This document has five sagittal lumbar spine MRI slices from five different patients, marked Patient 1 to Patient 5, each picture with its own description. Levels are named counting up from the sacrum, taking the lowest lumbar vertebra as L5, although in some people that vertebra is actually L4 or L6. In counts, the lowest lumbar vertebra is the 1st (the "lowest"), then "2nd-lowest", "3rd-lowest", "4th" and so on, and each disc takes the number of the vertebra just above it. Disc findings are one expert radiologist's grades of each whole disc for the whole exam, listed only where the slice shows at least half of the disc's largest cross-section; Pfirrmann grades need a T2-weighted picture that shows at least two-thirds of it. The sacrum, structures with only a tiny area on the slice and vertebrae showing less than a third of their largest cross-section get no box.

Patient 1 of 5:
Sagittal T2 SPACE (3D) lumbar spine MRI | Patient sex: M
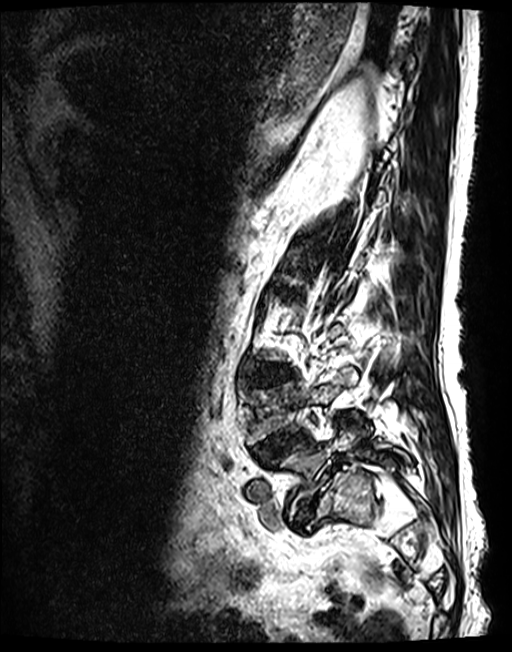

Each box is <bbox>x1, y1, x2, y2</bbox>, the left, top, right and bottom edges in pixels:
L5/S1 = <bbox>293, 478, 330, 530</bbox>.
L5 = <bbox>279, 426, 412, 519</bbox>.
L3/L4 = <bbox>252, 365, 290, 385</bbox>.
L4 = <bbox>249, 369, 358, 443</bbox>.
IVD L4/L5 = <bbox>253, 432, 305, 460</bbox>.

Expert MSK radiologist gradings (per disc):
• L5/S1: Modic type II, disc herniation, spondylolisthesis, disc narrowing

Patient 2 of 5:
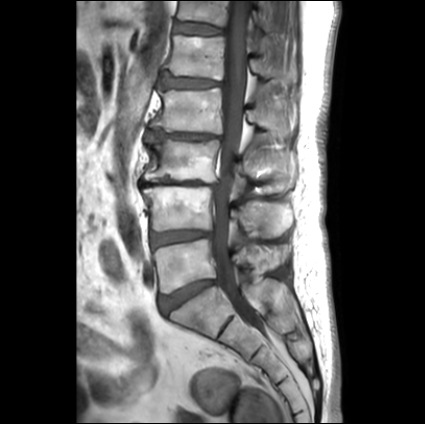
T1-weighted sagittal MRI of the lumbar spine | Patient sex: F | 425x424 px

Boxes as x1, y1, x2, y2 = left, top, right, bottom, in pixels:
L3 at 143, 139, 295, 191.
L1 at 167, 35, 295, 81.
L2 at 150, 88, 296, 133.
L1/L2 at 159, 70, 220, 89.
T12 at 177, 1, 269, 33.
IVD L5/S1 at 159, 280, 214, 313.
IVD L3/L4 at 140, 180, 217, 188.
Spinal canal at 213, 1, 248, 304.
T12/L1 at 175, 22, 221, 34.
L4/L5 at 150, 230, 209, 248.
L5 at 153, 239, 253, 293.
L4 vertebra at 143, 186, 292, 237.
IVD L2/L3 at 146, 130, 219, 141.

Degenerative findings by level:
  L4/L5: disc bulging
  L5/S1: disc bulging
  L2/L3: disc narrowing, disc bulging, lower-endplate change, upper-endplate change
  L3/L4: Modic type II, upper-endplate change, disc bulging, disc narrowing, lower-endplate change
  L1/L2: upper-endplate change, disc bulging, lower-endplate change
  T12/L1: no herniation, bulging, narrowing, spondylolisthesis, endplate or Modic change recorded

Patient 3 of 5:
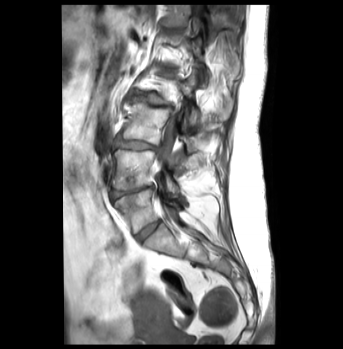
Image 343x349, Sagittal T1-weighted lumbar spine MRI
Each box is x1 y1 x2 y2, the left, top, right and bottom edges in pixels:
L4/L5 (2nd-lowest disc) at 110 185 154 200.
L5 (lowest vertebra) at 115 190 181 233.
Disc T12/L1 (6th disc) at 166 28 183 33.
L3 (3rd-lowest vertebra) at 121 103 205 153.
Disc L2/L3 (4th disc) at 130 92 173 109.
Spinal canal at 157 17 199 169.
L5/S1 (lowest disc) at 137 220 160 240.
T12 (6th vertebra) at 163 5 229 35.
L4 (2nd-lowest vertebra) at 111 149 178 192.
L2 (4th vertebra) at 139 70 233 125.
L3/L4 (3rd-lowest disc) at 113 138 156 150.

Degenerative findings by level:
• L4/L5 (2nd-lowest disc): disc bulging, Modic type II, disc narrowing, lower-endplate change
• L3/L4 (3rd-lowest disc): disc bulging, Modic type II
• L5/S1 (lowest disc): no Modic or endplate change, herniation, narrowing, bulging or spondylolisthesis recorded

Patient 4 of 5:
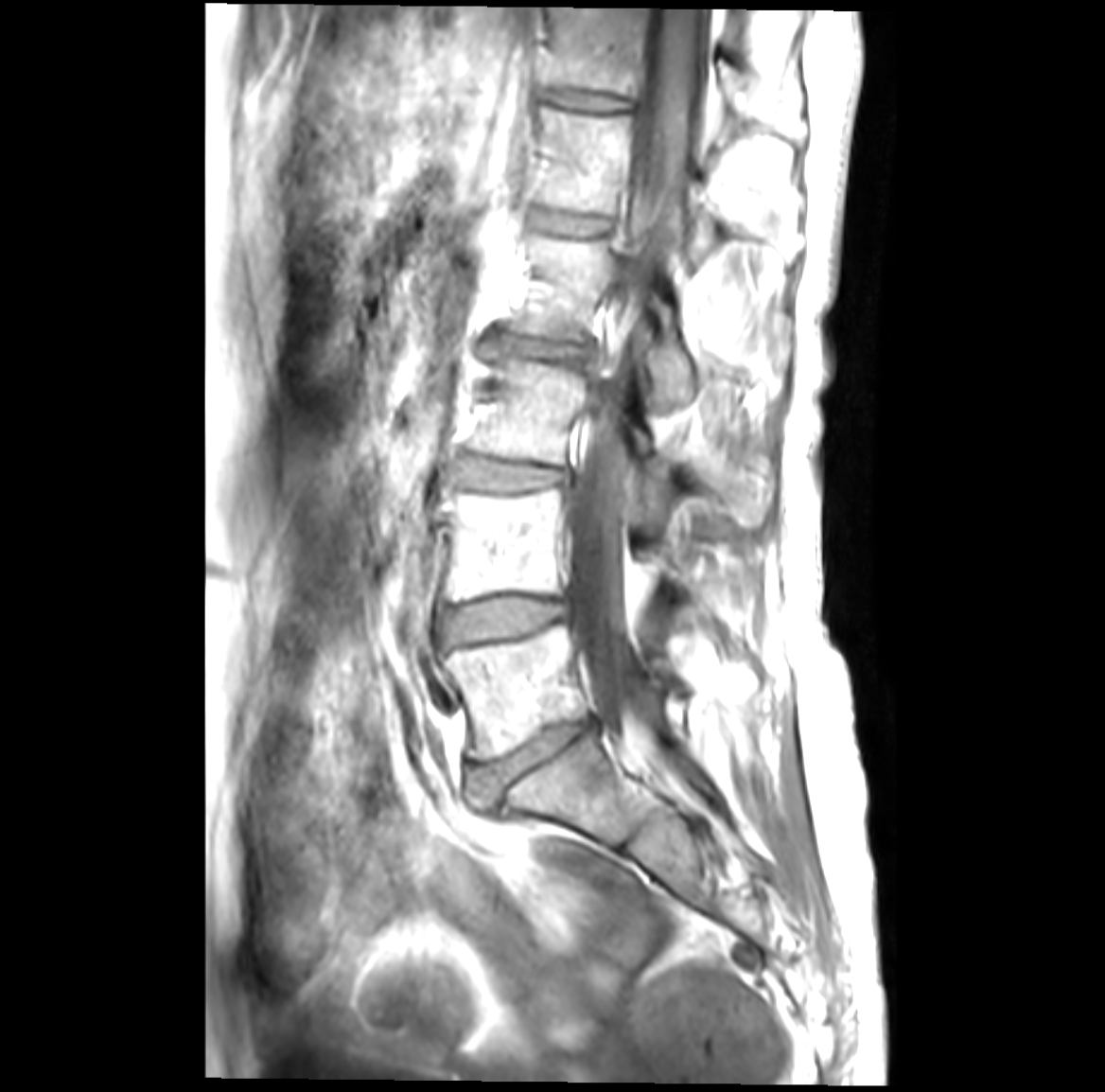 Sex F | Slice 20/41 | T1-weighted sagittal MRI of the lumbar spine

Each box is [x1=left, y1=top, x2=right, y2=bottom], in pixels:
{"T12/L1": "[x1=547, y1=91, x2=629, y2=117]", "L4/L5": "[x1=444, y1=598, x2=567, y2=640]", "L1/L2": "[x1=531, y1=213, x2=608, y2=238]", "L5 vertebra": "[x1=444, y1=625, x2=675, y2=760]", "thecal sac / spinal canal": "[x1=565, y1=9, x2=705, y2=754]", "L4": "[x1=444, y1=487, x2=760, y2=599]", "IVD L5/S1": "[x1=469, y1=719, x2=595, y2=798]", "IVD L2/L3": "[x1=492, y1=333, x2=585, y2=359]", "L2": "[x1=513, y1=236, x2=787, y2=401]", "L1 vertebra": "[x1=538, y1=110, x2=801, y2=262]", "L3/L4": "[x1=455, y1=457, x2=560, y2=489]", "L3 vertebra": "[x1=471, y1=361, x2=769, y2=527]", "T12": "[x1=545, y1=8, x2=764, y2=133]"}

Degenerative findings by level:
  L5/S1: Modic type II, disc bulging, disc narrowing
  L4/L5: disc bulging, Modic type II
  L2/L3: Modic type II, disc bulging, disc narrowing
  L3/L4: disc bulging, Modic type II
  T12/L1, L1/L2: no herniation, bulging, narrowing, spondylolisthesis, endplate or Modic change recorded

Patient 5 of 5:
305x307 px | MRI lumbar spine (T2-weighted), sagittal plane 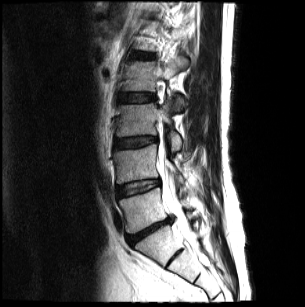

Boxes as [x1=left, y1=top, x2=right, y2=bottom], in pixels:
Structures:
• 4th vertebra at [x1=122, y1=56, x2=187, y2=109]
• 3rd-lowest disc at [x1=115, y1=136, x2=157, y2=147]
• 4th disc at [x1=119, y1=94, x2=155, y2=102]
• 2nd-lowest vertebra at [x1=114, y1=145, x2=183, y2=182]
• 2nd-lowest disc at [x1=117, y1=180, x2=160, y2=194]
• 3rd-lowest vertebra at [x1=115, y1=101, x2=182, y2=151]
• lowest vertebra at [x1=119, y1=188, x2=192, y2=232]
• lowest disc at [x1=127, y1=218, x2=172, y2=244]
• spinal canal at [x1=159, y1=147, x2=184, y2=227]

Radiological gradings:
  3rd-lowest disc: Pfirrmann grade 3, disc bulging, upper-endplate change
  2nd-lowest disc: Pfirrmann grade 2, disc bulging
  lowest disc: Pfirrmann grade 5, disc bulging, Modic type II, disc herniation, disc narrowing
  4th disc: Pfirrmann grade 2, Modic type II